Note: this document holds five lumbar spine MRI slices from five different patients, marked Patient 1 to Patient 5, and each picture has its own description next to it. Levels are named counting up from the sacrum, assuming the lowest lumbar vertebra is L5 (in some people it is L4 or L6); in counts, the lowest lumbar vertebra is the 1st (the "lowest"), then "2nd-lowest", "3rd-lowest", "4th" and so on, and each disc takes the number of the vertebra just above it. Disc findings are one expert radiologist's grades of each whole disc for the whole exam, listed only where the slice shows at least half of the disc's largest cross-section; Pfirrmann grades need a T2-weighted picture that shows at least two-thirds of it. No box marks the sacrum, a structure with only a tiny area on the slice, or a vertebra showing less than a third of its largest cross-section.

Patient 1 of 5:
Lumbar spine MR, T1-weighted, sagittal

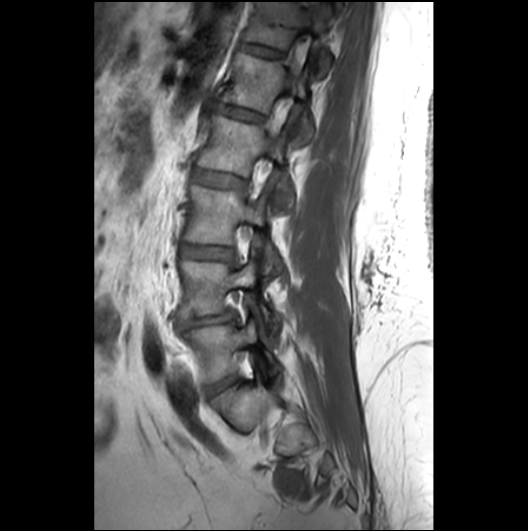

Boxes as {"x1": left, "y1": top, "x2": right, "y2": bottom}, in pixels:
Structures:
- L5 (lowest vertebra): {"x1": 185, "y1": 319, "x2": 275, "y2": 381}
- disc L1/L2 (5th disc): {"x1": 217, "y1": 103, "x2": 263, "y2": 121}
- L3 (3rd-lowest vertebra): {"x1": 185, "y1": 185, "x2": 283, "y2": 280}
- T12 (6th vertebra): {"x1": 244, "y1": 1, "x2": 330, "y2": 71}
- L1 (5th vertebra): {"x1": 221, "y1": 52, "x2": 312, "y2": 141}
- T12/L1 (6th disc): {"x1": 239, "y1": 42, "x2": 283, "y2": 57}
- L2 (4th vertebra): {"x1": 198, "y1": 115, "x2": 292, "y2": 208}
- L4 (2nd-lowest vertebra): {"x1": 180, "y1": 259, "x2": 277, "y2": 332}
- disc L5/S1 (lowest disc): {"x1": 207, "y1": 378, "x2": 233, "y2": 396}
- L3/L4 (3rd-lowest disc): {"x1": 181, "y1": 244, "x2": 232, "y2": 259}
- disc L4/L5 (2nd-lowest disc): {"x1": 178, "y1": 311, "x2": 237, "y2": 330}
- L2/L3 (4th disc): {"x1": 194, "y1": 170, "x2": 245, "y2": 187}

Radiological gradings:
• L4/L5 (2nd-lowest disc): disc herniation, disc narrowing
• L3/L4 (3rd-lowest disc), T12/L1 (6th disc), L1/L2 (5th disc), L2/L3 (4th disc): no Modic or endplate change, herniation, narrowing, bulging or spondylolisthesis recorded

Patient 2 of 5:
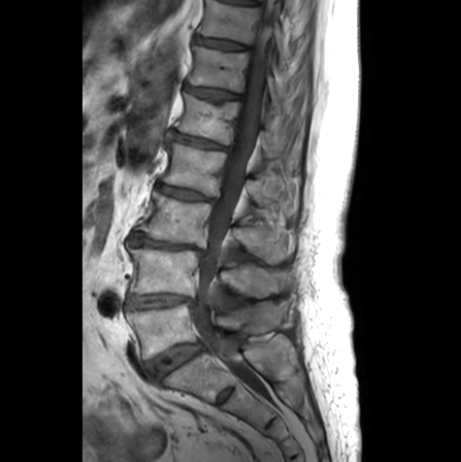
MRI lumbar spine (T1-weighted), sagittal plane. Sex F.

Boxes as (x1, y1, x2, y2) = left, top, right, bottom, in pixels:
Segmented structures:
• 2nd-lowest disc at (127, 293, 194, 308)
• 4th vertebra at (161, 142, 283, 206)
• 6th disc at (186, 85, 237, 100)
• 4th disc at (157, 182, 215, 201)
• 7th vertebra at (198, 0, 285, 63)
• 2nd-lowest vertebra at (129, 246, 290, 297)
• 3rd-lowest vertebra at (135, 190, 286, 263)
• 7th disc at (195, 35, 246, 50)
• 6th vertebra at (189, 44, 282, 111)
• lowest disc at (146, 342, 203, 378)
• 5th disc at (168, 131, 230, 150)
• 5th vertebra at (175, 93, 279, 157)
• lowest vertebra at (126, 301, 286, 359)
• spinal canal at (193, 0, 278, 394)
• 3rd-lowest disc at (129, 231, 203, 253)

Expert MSK radiologist gradings (per disc):
• 2nd-lowest disc: Modic type II, disc narrowing
• 6th disc: upper-endplate change
• 5th disc: disc narrowing, upper-endplate change, lower-endplate change, disc bulging
• 3rd-lowest disc: Modic type II, upper-endplate change, lower-endplate change, disc narrowing
• 4th disc: upper-endplate change, lower-endplate change, disc narrowing
• lowest disc: Modic type II
• 7th disc: no spondylolisthesis, narrowing, bulging, herniation, Modic or endplate change recorded

Patient 3 of 5:
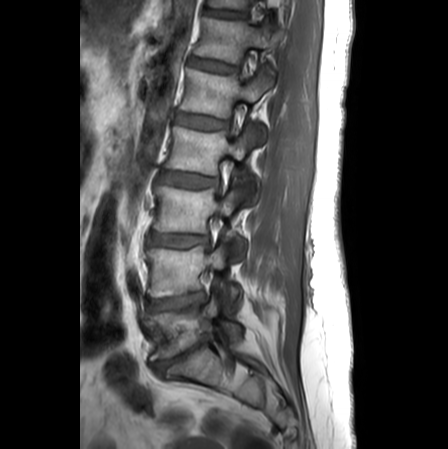 Image 448x449, Sagittal T1-weighted lumbar spine MRI, Patient sex: F
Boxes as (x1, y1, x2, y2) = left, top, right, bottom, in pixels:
IVD L1/L2: (175, 113, 227, 129).
L2: (165, 127, 255, 203).
IVD L2/L3: (160, 173, 217, 188).
L5: (150, 296, 242, 360).
T12: (194, 17, 276, 63).
L1: (181, 69, 273, 142).
IVD L4/L5: (150, 292, 204, 310).
IVD L3/L4: (148, 234, 208, 247).
T11 vertebra: (209, 0, 250, 10).
L5/S1: (154, 340, 204, 373).
L3 vertebra: (153, 186, 245, 256).
L4: (147, 245, 240, 310).
T11/T12: (204, 9, 246, 17).
T12/L1: (190, 57, 238, 72).

Expert MSK radiologist gradings (per disc):
- L3/L4: disc bulging
- L4/L5: disc bulging, disc narrowing
- L2/L3: disc bulging
- T11/T12, L1/L2, T12/L1: no herniation, bulging, narrowing, spondylolisthesis, endplate or Modic change recorded

Patient 4 of 5:
Sagittal T2-weighted lumbar spine MRI; Patient sex: M; Philips Healthcare Ingenia (3T)

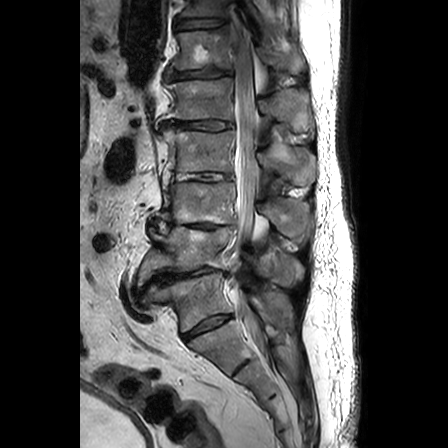
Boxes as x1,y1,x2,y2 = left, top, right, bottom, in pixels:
3rd-lowest vertebra at 159,181,312,237.
Lowest disc at 183,315,230,340.
Lowest vertebra at 159,272,291,331.
7th disc at 175,19,224,30.
4th vertebra at 155,128,316,185.
Thecal sac / spinal canal at 232,21,261,342.
5th disc at 161,121,231,130.
5th vertebra at 161,77,313,131.
2nd-lowest disc at 144,267,226,287.
2nd-lowest vertebra at 138,226,304,285.
6th vertebra at 170,28,305,73.
7th vertebra at 180,0,265,29.
4th disc at 166,173,231,181.
6th disc at 165,68,230,80.
3rd-lowest disc at 151,219,227,228.

Degenerative findings by level:
- 6th disc: Pfirrmann grade 4, disc bulging, disc narrowing, disc herniation
- 3rd-lowest disc: Pfirrmann grade 5, disc narrowing, disc herniation, disc bulging, Modic type II
- lowest disc: Pfirrmann grade 4, disc narrowing
- 4th disc: Pfirrmann grade 4, disc narrowing, disc bulging
- 5th disc: Pfirrmann grade 4, disc narrowing, disc bulging
- 7th disc: Pfirrmann grade 3, disc narrowing, disc bulging, upper-endplate change
- 2nd-lowest disc: Pfirrmann grade 5, disc narrowing, disc bulging, Modic type II, disc herniation

Patient 5 of 5:
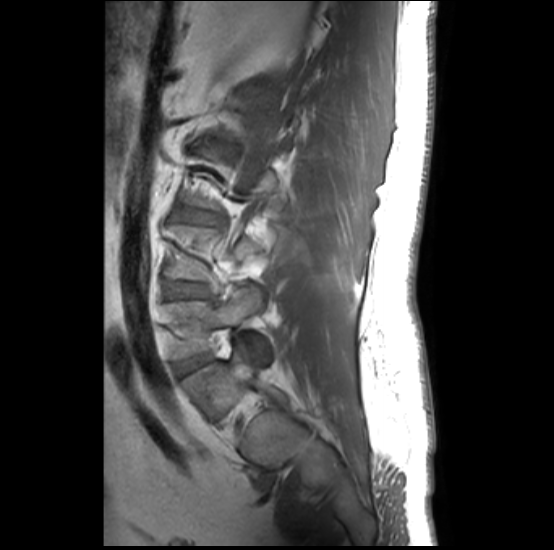
Sagittal T1-weighted lumbar spine MRI. Field of view 285x283 mm, slice spacing 3.3 mm.

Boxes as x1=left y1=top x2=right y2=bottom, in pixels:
Structures:
* disc L5/S1 (lowest disc): x1=177 y1=355 x2=206 y2=372
* L5 (lowest vertebra): x1=167 y1=288 x2=261 y2=358
* L4/L5 (2nd-lowest disc): x1=168 y1=282 x2=208 y2=297
* disc L3/L4 (3rd-lowest disc): x1=185 y1=211 x2=223 y2=223